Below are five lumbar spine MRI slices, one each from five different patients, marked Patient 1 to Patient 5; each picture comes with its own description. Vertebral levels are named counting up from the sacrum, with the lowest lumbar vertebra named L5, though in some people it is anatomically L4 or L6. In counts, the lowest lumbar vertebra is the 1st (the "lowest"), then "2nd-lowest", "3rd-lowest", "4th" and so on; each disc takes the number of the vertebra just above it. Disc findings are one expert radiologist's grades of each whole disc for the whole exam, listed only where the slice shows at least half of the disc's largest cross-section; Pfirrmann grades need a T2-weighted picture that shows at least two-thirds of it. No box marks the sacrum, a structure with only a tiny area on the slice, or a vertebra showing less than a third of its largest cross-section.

Patient 1 of 5:
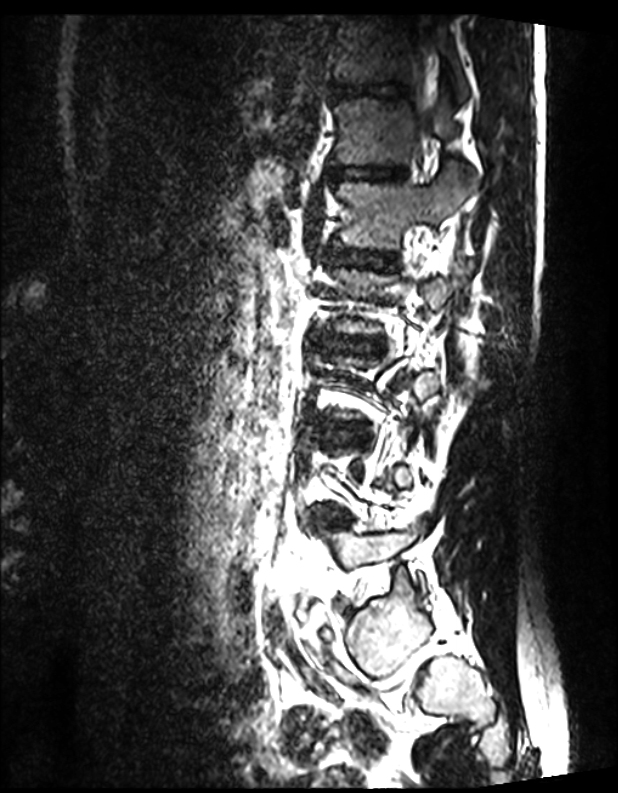 Patient sex: M. MRI lumbar spine (T2 SPACE (3D)), sagittal plane.

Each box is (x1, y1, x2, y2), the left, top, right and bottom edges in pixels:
* 6th vertebra: (334, 97, 469, 176)
* 7th vertebra: (332, 15, 468, 101)
* 7th disc: (330, 83, 407, 99)
* 2nd-lowest disc: (333, 520, 346, 525)
* 6th disc: (328, 165, 405, 179)
* 4th disc: (332, 338, 370, 352)
* 5th vertebra: (335, 174, 472, 247)
* thecal sac / spinal canal: (409, 26, 436, 108)
* 5th disc: (327, 250, 394, 267)

Radiological gradings:
  6th disc: Pfirrmann grade 1
  7th disc: Pfirrmann grade 1
  5th disc: no Modic or endplate change, herniation, narrowing, bulging or spondylolisthesis recorded

Patient 2 of 5:
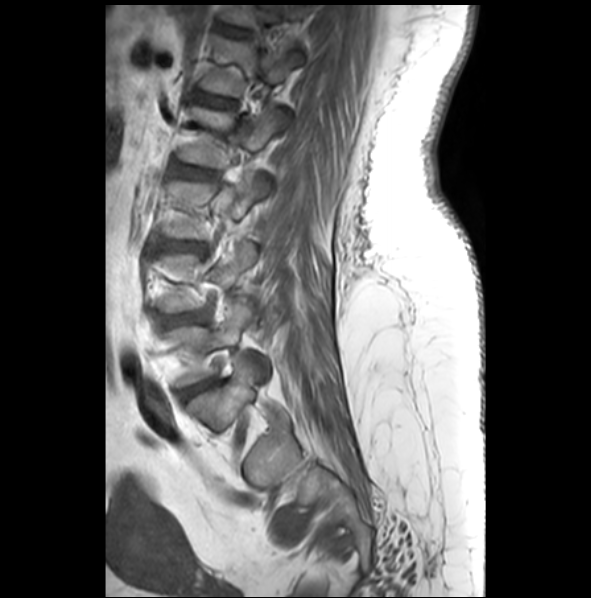 Slice 20/28. Patient sex: F. Sagittal T1-weighted lumbar spine MRI.
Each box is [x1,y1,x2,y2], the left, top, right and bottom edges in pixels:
Structures:
- 3rd-lowest disc at [164,242,205,254]
- 6th disc at [223,26,247,36]
- 2nd-lowest disc at [162,312,206,326]
- 4th disc at [179,166,211,178]
- 5th disc at [195,93,233,107]
- 4th vertebra at [178,106,287,166]
- lowest disc at [183,381,210,398]
- 5th vertebra at [201,37,304,97]
- lowest vertebra at [166,300,270,386]
- 6th vertebra at [223,5,303,27]

Per-level radiological findings:
- 3rd-lowest disc: disc bulging, disc narrowing, Modic type II, lower-endplate change, upper-endplate change
- 5th disc: no herniation, bulging, narrowing, spondylolisthesis, endplate or Modic change recorded

Patient 3 of 5:
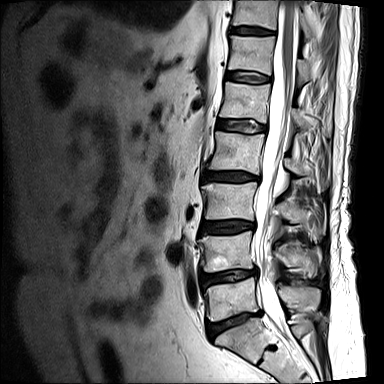 Slice 7/15 | Sagittal T2-weighted lumbar spine MRI | Sex M
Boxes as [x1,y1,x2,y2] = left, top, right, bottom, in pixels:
T12/L1 at [226,72,270,83], L3/L4 at [201,221,255,233], disc L4/L5 at [201,269,256,287], L1 vertebra at [220,82,330,136], T12 vertebra at [228,35,311,83], T11 at [233,0,311,37], L4 vertebra at [199,231,319,277], disc L2/L3 at [203,173,259,182], L2 vertebra at [207,131,327,185], L5 at [204,277,320,321], disc T11/T12 at [232,26,274,34], disc L5/S1 at [207,312,260,338], L3 at [201,182,321,236], thecal sac / spinal canal at [254,0,297,334], L1/L2 at [217,120,265,132].

Degenerative findings by level:
• L5/S1: Pfirrmann grade 4, lower-endplate change, disc bulging, upper-endplate change, Modic type II, disc narrowing
• T12/L1: Pfirrmann grade 3
• T11/T12: Pfirrmann grade 4
• L1/L2: Pfirrmann grade 3
• L2/L3: Pfirrmann grade 4, disc narrowing, lower-endplate change, Modic type II, disc bulging, upper-endplate change
• L3/L4: Pfirrmann grade 4, Modic type II, upper-endplate change, lower-endplate change, disc bulging
• L4/L5: Pfirrmann grade 4, disc narrowing, disc bulging, Modic type II, lower-endplate change, upper-endplate change

Patient 4 of 5:
MRI lumbar spine (T2-weighted), sagittal plane.

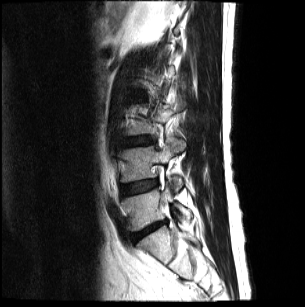 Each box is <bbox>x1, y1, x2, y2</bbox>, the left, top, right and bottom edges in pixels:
L5: <bbox>122, 188, 191, 230</bbox>.
IVD L4/L5: <bbox>122, 180, 157, 193</bbox>.
L4 vertebra: <bbox>119, 137, 184, 190</bbox>.
L3/L4: <bbox>125, 136, 151, 145</bbox>.
IVD L5/S1: <bbox>133, 222, 165, 240</bbox>.

Expert MSK radiologist gradings (per disc):
  L4/L5: Pfirrmann grade 2, disc bulging
  L3/L4: disc bulging, upper-endplate change
  L5/S1: disc narrowing, disc herniation, Modic type II, disc bulging

Patient 5 of 5:
Sagittal slice index 10; 477x478 px; Lumbar spine MR, T1-weighted, sagittal; Slice spacing 3.3 mm; Philips Healthcare Ingenia (3T)
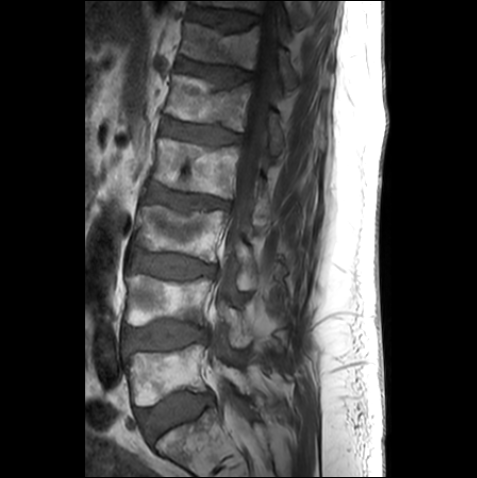
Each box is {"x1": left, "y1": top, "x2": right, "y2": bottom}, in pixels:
5th disc at {"x1": 163, "y1": 120, "x2": 242, "y2": 144}.
Lowest disc at {"x1": 137, "y1": 392, "x2": 211, "y2": 440}.
2nd-lowest disc at {"x1": 126, "y1": 322, "x2": 206, "y2": 350}.
5th vertebra at {"x1": 166, "y1": 73, "x2": 285, "y2": 155}.
7th disc at {"x1": 189, "y1": 7, "x2": 258, "y2": 29}.
Thecal sac / spinal canal at {"x1": 209, "y1": 0, "x2": 280, "y2": 433}.
3rd-lowest disc at {"x1": 132, "y1": 255, "x2": 214, "y2": 278}.
4th vertebra at {"x1": 154, "y1": 138, "x2": 271, "y2": 229}.
3rd-lowest vertebra at {"x1": 132, "y1": 205, "x2": 258, "y2": 290}.
6th disc at {"x1": 178, "y1": 59, "x2": 250, "y2": 86}.
6th vertebra at {"x1": 181, "y1": 23, "x2": 297, "y2": 93}.
7th vertebra at {"x1": 195, "y1": 0, "x2": 306, "y2": 29}.
4th disc at {"x1": 146, "y1": 186, "x2": 229, "y2": 211}.
Lowest vertebra at {"x1": 124, "y1": 343, "x2": 248, "y2": 405}.
2nd-lowest vertebra at {"x1": 126, "y1": 271, "x2": 252, "y2": 347}.

Radiological gradings:
- 4th disc: upper-endplate change
- 6th disc: upper-endplate change
- 2nd-lowest disc: lower-endplate change
- 3rd-lowest disc, 7th disc, 5th disc, lowest disc: no herniation, bulging, narrowing, spondylolisthesis, endplate or Modic change recorded